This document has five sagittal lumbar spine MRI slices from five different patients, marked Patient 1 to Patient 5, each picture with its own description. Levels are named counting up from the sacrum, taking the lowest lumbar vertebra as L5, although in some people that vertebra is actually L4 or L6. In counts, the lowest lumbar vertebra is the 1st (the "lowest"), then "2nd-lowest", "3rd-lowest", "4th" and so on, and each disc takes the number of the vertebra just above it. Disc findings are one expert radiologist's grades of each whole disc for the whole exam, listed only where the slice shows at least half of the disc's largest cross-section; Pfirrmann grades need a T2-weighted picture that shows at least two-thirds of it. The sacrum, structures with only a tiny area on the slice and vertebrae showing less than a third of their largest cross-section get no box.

Patient 1 of 5:
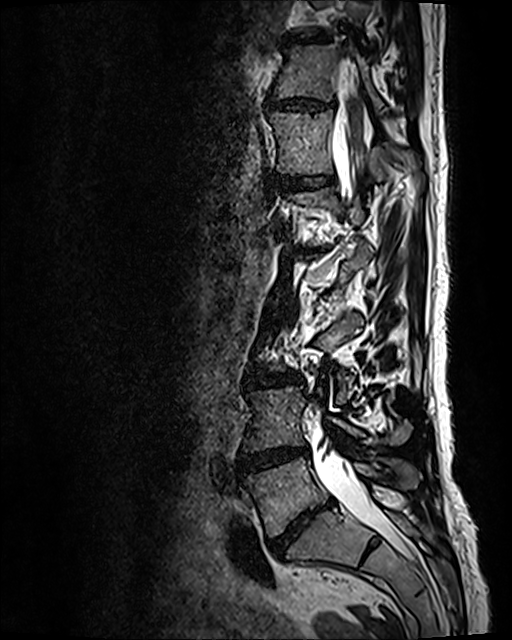 MRI lumbar spine (T2 SPACE (3D)), sagittal plane, Image 512x640, Sagittal slice index 74
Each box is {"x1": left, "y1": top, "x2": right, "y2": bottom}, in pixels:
Thecal sac / spinal canal: {"x1": 312, "y1": 57, "x2": 411, "y2": 558}.
L4 (2nd-lowest vertebra): {"x1": 244, "y1": 383, "x2": 410, "y2": 451}.
T12 (6th vertebra): {"x1": 267, "y1": 111, "x2": 423, "y2": 186}.
Intervertebral disc L1/L2 (5th disc): {"x1": 288, "y1": 246, "x2": 324, "y2": 255}.
T12/L1 (6th disc): {"x1": 276, "y1": 175, "x2": 332, "y2": 191}.
Intervertebral disc L3/L4 (3rd-lowest disc): {"x1": 245, "y1": 369, "x2": 300, "y2": 387}.
Intervertebral disc T11/T12 (7th disc): {"x1": 266, "y1": 96, "x2": 335, "y2": 111}.
Intervertebral disc L5/S1 (lowest disc): {"x1": 270, "y1": 503, "x2": 329, "y2": 554}.
T11 (7th vertebra): {"x1": 273, "y1": 43, "x2": 386, "y2": 113}.
L5 (lowest vertebra): {"x1": 244, "y1": 457, "x2": 420, "y2": 537}.
Intervertebral disc T10/T11 (8th disc): {"x1": 287, "y1": 36, "x2": 329, "y2": 44}.
L4/L5 (2nd-lowest disc): {"x1": 238, "y1": 448, "x2": 308, "y2": 474}.

Radiological gradings:
- L4/L5 (2nd-lowest disc): Pfirrmann grade 4, disc bulging, disc narrowing, Modic type II
- L3/L4 (3rd-lowest disc): disc bulging
- T11/T12 (7th disc): Pfirrmann grade 3, disc bulging, disc narrowing
- L5/S1 (lowest disc): Pfirrmann grade 5, upper-endplate change, disc narrowing, disc bulging, Modic type II, lower-endplate change
- T12/L1 (6th disc): no herniation, bulging, narrowing, spondylolisthesis, endplate or Modic change recorded

Patient 2 of 5:
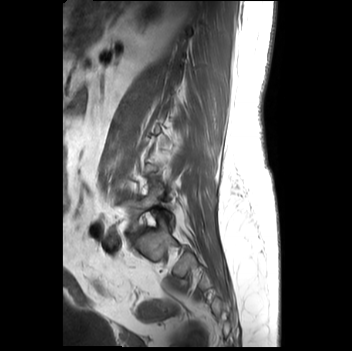 Lumbar spine MR, T1-weighted, sagittal, Slice 26/35, Patient sex: F

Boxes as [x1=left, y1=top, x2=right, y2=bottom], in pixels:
Structures:
• L5/S1 (lowest disc): [x1=129, y1=228, x2=146, y2=241]
• L5 (lowest vertebra): [x1=122, y1=185, x2=173, y2=232]

Patient 3 of 5:
Sex F, Sagittal slice index 49, Scanner: SIEMENS Avanto_fit (1.5T), MRI lumbar spine (T2 SPACE (3D)), sagittal plane

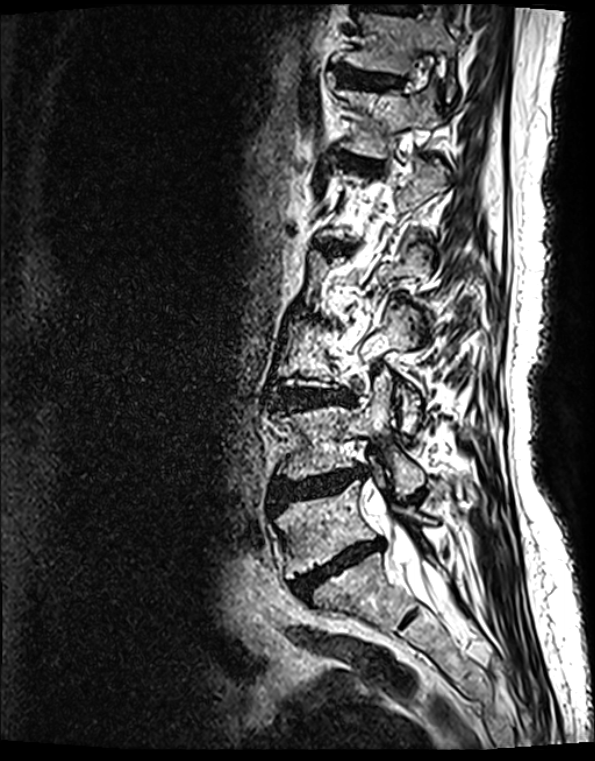

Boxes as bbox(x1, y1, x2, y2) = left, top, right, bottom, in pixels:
T12: bbox(338, 86, 440, 158)
T11/T12: bbox(337, 71, 400, 89)
L5/S1: bbox(293, 541, 383, 598)
thecal sac / spinal canal: bbox(374, 499, 462, 621)
T11 vertebra: bbox(343, 11, 457, 101)
IVD L3/L4: bbox(278, 389, 351, 408)
L4 vertebra: bbox(279, 375, 424, 493)
L5 vertebra: bbox(274, 475, 431, 578)
IVD L4/L5: bbox(273, 468, 363, 505)
IVD T12/L1: bbox(338, 155, 377, 170)

Per-level radiological findings:
- T11/T12: Pfirrmann grade 2, lower-endplate change, upper-endplate change, Modic type II
- L4/L5: Pfirrmann grade 4, disc herniation, disc narrowing, lower-endplate change, upper-endplate change, disc bulging, Modic type II
- L3/L4: disc narrowing, Modic type II, disc bulging, upper-endplate change, lower-endplate change
- L5/S1: Pfirrmann grade 5, disc narrowing, disc bulging, upper-endplate change, lower-endplate change, Modic type II

Patient 4 of 5:
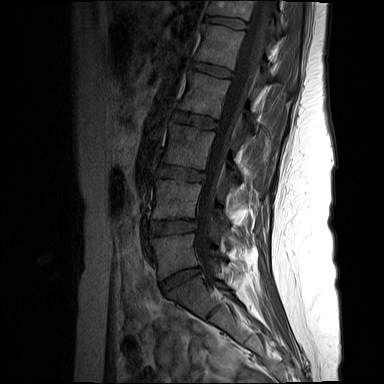 Patient sex: F. Sagittal T1-weighted lumbar spine MRI.

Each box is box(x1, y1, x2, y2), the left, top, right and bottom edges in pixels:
L2/L3 = box(172, 112, 217, 128).
L5/S1 = box(160, 268, 200, 291).
L5 vertebra = box(150, 233, 222, 279).
L1 = box(195, 24, 295, 89).
L2 vertebra = box(178, 71, 255, 129).
Thecal sac / spinal canal = box(195, 0, 274, 283).
IVD L3/L4 = box(157, 165, 204, 181).
T12 = box(208, 0, 283, 35).
IVD L1/L2 = box(192, 63, 231, 76).
L4 = box(153, 179, 229, 228).
IVD T12/L1 = box(205, 16, 247, 28).
L3 vertebra = box(162, 123, 240, 178).
IVD L4/L5 = box(150, 220, 195, 234).

Expert MSK radiologist gradings (per disc):
  T12/L1, L2/L3, L5/S1, L4/L5, L3/L4, L1/L2: no herniation, bulging, narrowing, spondylolisthesis, endplate or Modic change recorded

Patient 5 of 5:
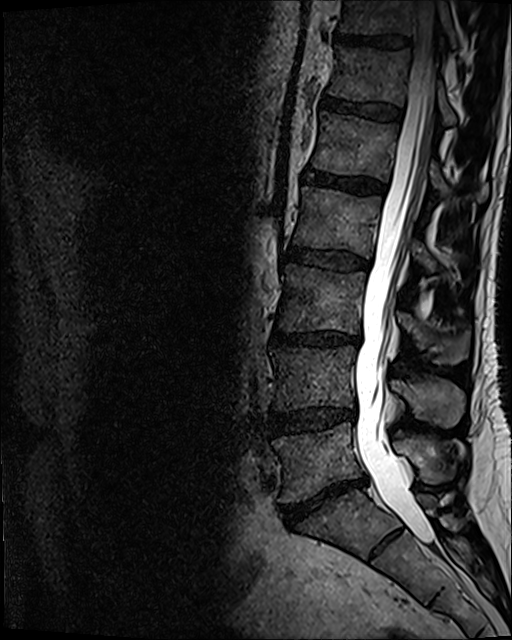 Slice 68/120, Sagittal T2 SPACE (3D) lumbar spine MRI
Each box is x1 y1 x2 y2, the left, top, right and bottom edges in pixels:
T12 vertebra at 327 46 456 124, T11 vertebra at 339 0 457 49, L5 vertebra at 272 423 453 502, L4/L5 at 270 408 355 432, L2 at 293 186 438 271, L4 at 271 346 464 426, L1/L2 at 303 169 384 193, T12/L1 at 321 96 401 120, L1 vertebra at 312 111 488 202, L5/S1 at 282 477 366 522, disc L2/L3 at 289 248 368 270, L3/L4 at 272 331 361 346, L3 vertebra at 278 264 469 365, T11/T12 at 333 33 408 49, thecal sac / spinal canal at 355 1 437 545.

Per-level radiological findings:
  L1/L2: Pfirrmann grade 4
  L4/L5: Pfirrmann grade 3, disc narrowing, disc bulging
  L3/L4: Pfirrmann grade 4, disc bulging, disc narrowing, lower-endplate change
  L5/S1: Pfirrmann grade 5, Modic type II, disc bulging, disc narrowing
  T12/L1: Pfirrmann grade 3
  L2/L3: Pfirrmann grade 3, disc bulging
  T11/T12: Pfirrmann grade 4